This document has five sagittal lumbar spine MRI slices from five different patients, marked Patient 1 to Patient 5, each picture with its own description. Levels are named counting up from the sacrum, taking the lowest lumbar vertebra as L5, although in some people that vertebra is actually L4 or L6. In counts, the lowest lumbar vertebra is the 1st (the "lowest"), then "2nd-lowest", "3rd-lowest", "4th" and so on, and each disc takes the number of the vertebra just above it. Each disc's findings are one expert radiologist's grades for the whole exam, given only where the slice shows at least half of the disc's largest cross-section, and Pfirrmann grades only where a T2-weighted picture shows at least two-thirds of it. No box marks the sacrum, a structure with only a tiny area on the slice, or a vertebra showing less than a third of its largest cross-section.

Patient 1 of 5:
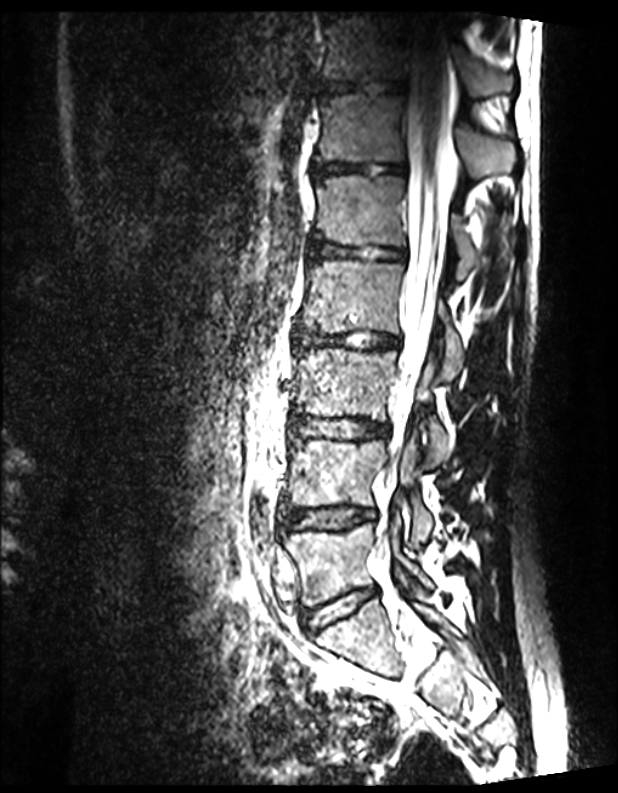 Image 618x793 | Lumbar spine MR, T2 SPACE (3D), sagittal
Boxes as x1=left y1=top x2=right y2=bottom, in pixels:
Structures:
* L2: x1=301 y1=260 x2=464 y2=379
* intervertebral disc L5/S1: x1=305 y1=588 x2=376 y2=632
* intervertebral disc T12/L1: x1=313 y1=161 x2=405 y2=176
* T12: x1=320 y1=94 x2=514 y2=179
* spinal canal: x1=377 y1=25 x2=451 y2=551
* intervertebral disc L2/L3: x1=294 y1=330 x2=400 y2=351
* T11: x1=323 y1=14 x2=511 y2=96
* L1 vertebra: x1=316 y1=175 x2=476 y2=281
* L4 vertebra: x1=288 y1=438 x2=432 y2=544
* L1/L2: x1=307 y1=239 x2=406 y2=260
* L5 vertebra: x1=284 y1=512 x2=432 y2=606
* intervertebral disc T11/T12: x1=321 y1=80 x2=404 y2=93
* L4/L5: x1=281 y1=507 x2=376 y2=531
* L3: x1=295 y1=348 x2=449 y2=458
* L3/L4: x1=293 y1=416 x2=388 y2=439

Degenerative findings by level:
- T11/T12: Pfirrmann grade 1
- T12/L1: Pfirrmann grade 1
- L2/L3: Pfirrmann grade 1
- L1/L2: Pfirrmann grade 1
- L4/L5: Pfirrmann grade 1
- L3/L4: Pfirrmann grade 1
- L5/S1: no spondylolisthesis, narrowing, bulging, herniation, Modic or endplate change recorded

Patient 2 of 5:
Lumbar spine MR, T1-weighted, sagittal. Slice 13/23. 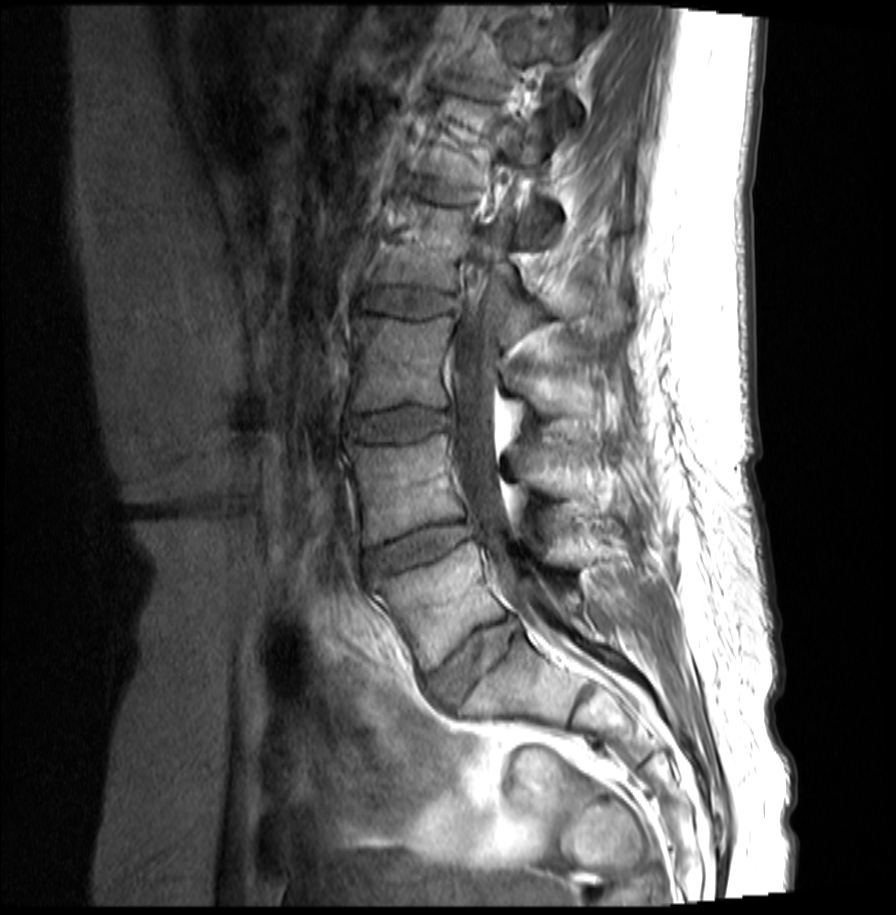 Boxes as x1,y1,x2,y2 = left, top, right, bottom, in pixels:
Intervertebral disc L4/L5 at 365,520,480,575; T12 vertebra at 454,8,581,124; T12/L1 at 448,78,503,99; L3 at 351,314,596,436; L1/L2 at 408,178,471,205; L5 at 373,542,587,669; L1 vertebra at 413,95,558,238; L2 at 371,195,629,335; thecal sac / spinal canal at 455,56,564,602; L4 at 348,434,541,541; intervertebral disc L2/L3 at 363,289,456,316; L5/S1 at 427,620,518,705; intervertebral disc L3/L4 at 348,409,454,438.

Radiological gradings:
  L4/L5: disc herniation
  L5/S1: disc bulging
  L3/L4: disc bulging
  L2/L3, L1/L2: no spondylolisthesis, narrowing, bulging, herniation, Modic or endplate change recorded

Patient 3 of 5:
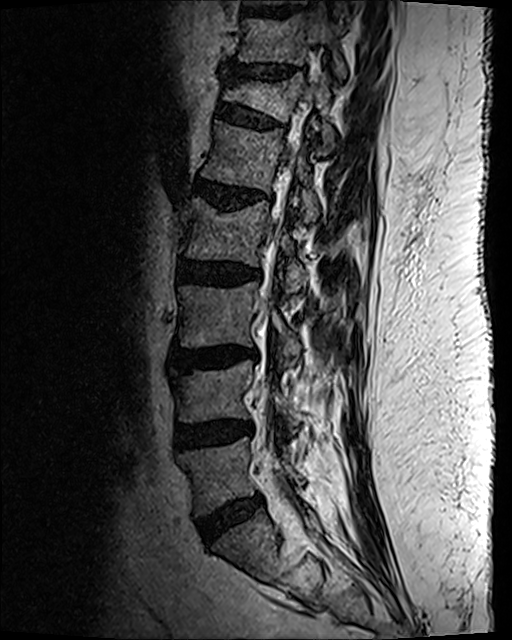 Sex M, MRI lumbar spine (T2 SPACE (3D)), sagittal plane, Slice 71 of 120
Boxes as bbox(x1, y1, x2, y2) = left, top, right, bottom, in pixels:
7th disc at bbox(230, 65, 296, 81); 5th vertebra at bbox(202, 122, 318, 223); 2nd-lowest vertebra at bbox(178, 362, 300, 431); spinal canal at bbox(254, 119, 304, 465); 6th vertebra at bbox(223, 73, 334, 150); 3rd-lowest vertebra at bbox(179, 282, 300, 365); 4th vertebra at bbox(185, 199, 307, 292); 8th disc at bbox(243, 9, 297, 17); lowest vertebra at bbox(180, 437, 302, 515); 7th vertebra at bbox(239, 13, 346, 76); lowest disc at bbox(197, 495, 263, 544); 6th disc at bbox(216, 103, 281, 129); 5th disc at bbox(193, 180, 257, 210); 4th disc at bbox(178, 261, 260, 287); 3rd-lowest disc at bbox(177, 349, 257, 371); 2nd-lowest disc at bbox(175, 422, 252, 449).

Expert MSK radiologist gradings (per disc):
- lowest disc: Pfirrmann grade 2, disc bulging
- 5th disc: Pfirrmann grade 3, upper-endplate change, lower-endplate change, Modic type II, disc bulging, disc narrowing
- 4th disc: Pfirrmann grade 3, lower-endplate change, disc bulging
- 2nd-lowest disc: Pfirrmann grade 3, disc narrowing, disc bulging
- 3rd-lowest disc: Pfirrmann grade 3, upper-endplate change, disc bulging, lower-endplate change, Modic type II
- 6th disc: Pfirrmann grade 2, spondylolisthesis, disc bulging, lower-endplate change, upper-endplate change
- 7th disc: Pfirrmann grade 2, lower-endplate change, disc narrowing, disc bulging, upper-endplate change

Patient 4 of 5:
Sagittal T2-weighted lumbar spine MRI, Image 384x384, SIEMENS SymphonyTim (1.5T), Patient sex: F 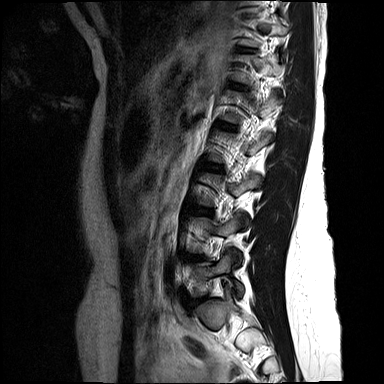 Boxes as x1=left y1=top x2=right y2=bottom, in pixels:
Segmented structures:
• lowest disc = x1=194 y1=298 x2=207 y2=304
• 3rd-lowest disc = x1=199 y1=208 x2=213 y2=215
• lowest vertebra = x1=196 y1=253 x2=243 y2=297

Patient 5 of 5:
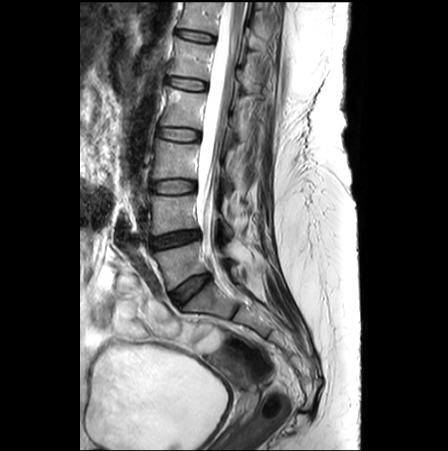 Sex F; MRI lumbar spine (T2-weighted), sagittal plane
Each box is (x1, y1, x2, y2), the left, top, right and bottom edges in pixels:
L5 (lowest vertebra): (153, 241, 235, 290) | L5/S1 (lowest disc): (171, 274, 210, 304) | thecal sac / spinal canal: (197, 0, 244, 267) | IVD T12/L1 (6th disc): (176, 30, 214, 42) | L1 (5th vertebra): (168, 37, 259, 92) | IVD L3/L4 (3rd-lowest disc): (150, 180, 195, 193) | L4 (2nd-lowest vertebra): (148, 195, 232, 237) | T12 (6th vertebra): (178, 2, 266, 53) | L2 (4th vertebra): (160, 86, 244, 139) | IVD L1/L2 (5th disc): (167, 76, 206, 90) | L3 (3rd-lowest vertebra): (152, 139, 232, 188) | IVD L4/L5 (2nd-lowest disc): (150, 230, 200, 248) | L2/L3 (4th disc): (157, 128, 199, 140)

Radiological gradings:
  L2/L3 (4th disc): Pfirrmann grade 1
  L1/L2 (5th disc): Pfirrmann grade 1, lower-endplate change, Modic type II, upper-endplate change
  T12/L1 (6th disc): Pfirrmann grade 1
  L5/S1 (lowest disc): Pfirrmann grade 3
  L3/L4 (3rd-lowest disc): Pfirrmann grade 1
  L4/L5 (2nd-lowest disc): Pfirrmann grade 4, disc narrowing